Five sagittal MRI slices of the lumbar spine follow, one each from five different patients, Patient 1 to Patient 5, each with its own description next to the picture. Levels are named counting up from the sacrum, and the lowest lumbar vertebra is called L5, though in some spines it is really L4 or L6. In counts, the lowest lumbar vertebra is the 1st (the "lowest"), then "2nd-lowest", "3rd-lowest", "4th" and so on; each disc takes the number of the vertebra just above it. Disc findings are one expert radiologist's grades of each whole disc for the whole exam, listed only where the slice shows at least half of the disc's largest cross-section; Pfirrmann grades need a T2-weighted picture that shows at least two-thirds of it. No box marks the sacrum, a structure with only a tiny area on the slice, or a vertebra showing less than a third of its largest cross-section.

Patient 1 of 5:
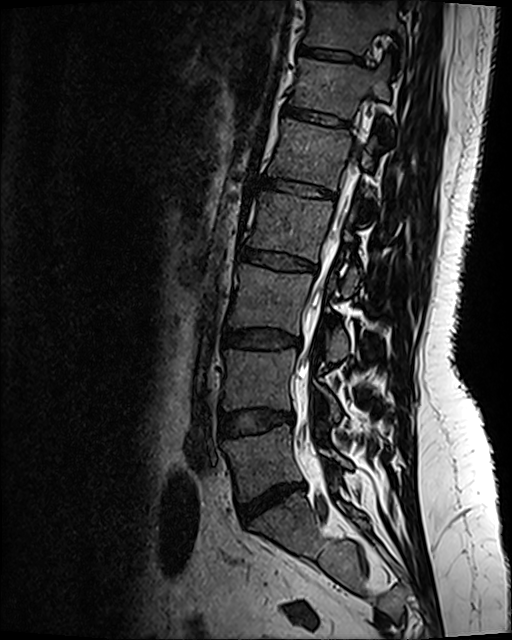
Image 512x640. Sagittal slice index 71. Sagittal T2 SPACE (3D) lumbar spine MRI.
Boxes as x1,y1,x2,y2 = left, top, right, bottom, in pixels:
L5 at 224,425,351,500; L1/L2 at 263,181,334,199; T12 at 291,59,389,118; T11/T12 at 301,49,360,63; T11 at 305,3,404,54; L1 at 269,120,375,190; L2 vertebra at 248,193,358,296; L2/L3 at 239,249,317,273; intervertebral disc L3/L4 at 223,329,297,348; L5/S1 at 240,485,302,524; L4 vertebra at 225,350,340,421; L3 at 229,265,348,361; intervertebral disc T12/L1 at 285,107,349,130; intervertebral disc L4/L5 at 221,411,292,436; spinal canal at 302,208,345,373.

Expert MSK radiologist gradings (per disc):
- L2/L3: Pfirrmann grade 4, upper-endplate change, disc bulging, lower-endplate change
- L5/S1: Pfirrmann grade 1, disc bulging, disc narrowing, disc herniation
- T12/L1: Pfirrmann grade 2, lower-endplate change, upper-endplate change
- L3/L4: Pfirrmann grade 2, disc bulging
- L1/L2: Pfirrmann grade 2, upper-endplate change, lower-endplate change
- L4/L5: Pfirrmann grade 2, disc bulging
- T11/T12: Pfirrmann grade 2

Patient 2 of 5:
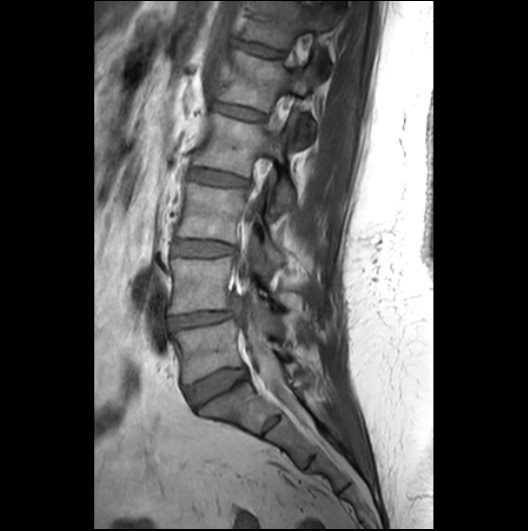
Patient sex: F | T1-weighted sagittal MRI of the lumbar spine | 528x531 px
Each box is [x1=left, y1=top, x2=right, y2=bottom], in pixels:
5th vertebra: [x1=220, y1=47, x2=319, y2=145] | 3rd-lowest vertebra: [x1=178, y1=182, x2=284, y2=265] | 5th disc: [x1=214, y1=102, x2=265, y2=120] | 2nd-lowest disc: [x1=168, y1=311, x2=233, y2=328] | 3rd-lowest disc: [x1=174, y1=239, x2=235, y2=256] | 6th vertebra: [x1=243, y1=1, x2=333, y2=48] | lowest disc: [x1=186, y1=367, x2=246, y2=406] | 2nd-lowest vertebra: [x1=170, y1=256, x2=283, y2=314] | 4th vertebra: [x1=193, y1=113, x2=293, y2=211] | 6th disc: [x1=237, y1=40, x2=283, y2=55] | thecal sac / spinal canal: [x1=234, y1=84, x2=303, y2=416] | 4th disc: [x1=190, y1=168, x2=246, y2=184] | lowest vertebra: [x1=174, y1=319, x2=285, y2=382]

Radiological gradings:
- 2nd-lowest disc: disc narrowing, disc herniation
- 3rd-lowest disc, 4th disc, lowest disc, 6th disc, 5th disc: no Modic or endplate change, herniation, narrowing, bulging or spondylolisthesis recorded

Patient 3 of 5:
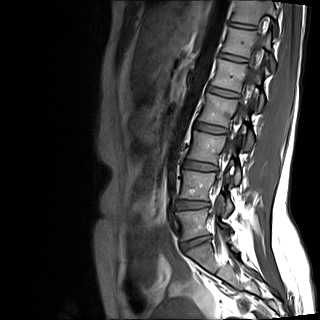 Slice 10/15, Sex F, Sagittal T1-weighted lumbar spine MRI

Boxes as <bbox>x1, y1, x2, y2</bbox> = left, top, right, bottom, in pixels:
Intervertebral disc T12/L1 at <bbox>219, 53, 246, 61</bbox>, L1 vertebra at <bbox>212, 59, 264, 110</bbox>, L2 vertebra at <bbox>199, 93, 253, 149</bbox>, intervertebral disc L1/L2 at <bbox>208, 86, 237, 97</bbox>, T11/T12 at <bbox>230, 22, 255, 29</bbox>, T12 at <bbox>222, 28, 275, 71</bbox>, intervertebral disc L4/L5 at <bbox>176, 200, 208, 209</bbox>, L5/S1 at <bbox>181, 236, 208, 249</bbox>, L3/L4 at <bbox>184, 161, 216, 170</bbox>, L5 vertebra at <bbox>176, 209, 232, 240</bbox>, L3 at <bbox>188, 131, 240, 185</bbox>, T11 at <bbox>232, 0, 276, 35</bbox>, intervertebral disc L2/L3 at <bbox>194, 123, 226, 133</bbox>, L4 vertebra at <bbox>179, 171, 232, 216</bbox>, thecal sac / spinal canal at <bbox>214, 32, 264, 222</bbox>.

Expert MSK radiologist gradings (per disc):
  L4/L5: disc narrowing
  L5/S1: disc narrowing, Modic type II, disc herniation, disc bulging
  L2/L3, T11/T12, L1/L2, L3/L4, T12/L1: no herniation, bulging, narrowing, spondylolisthesis, endplate or Modic change recorded

Patient 4 of 5:
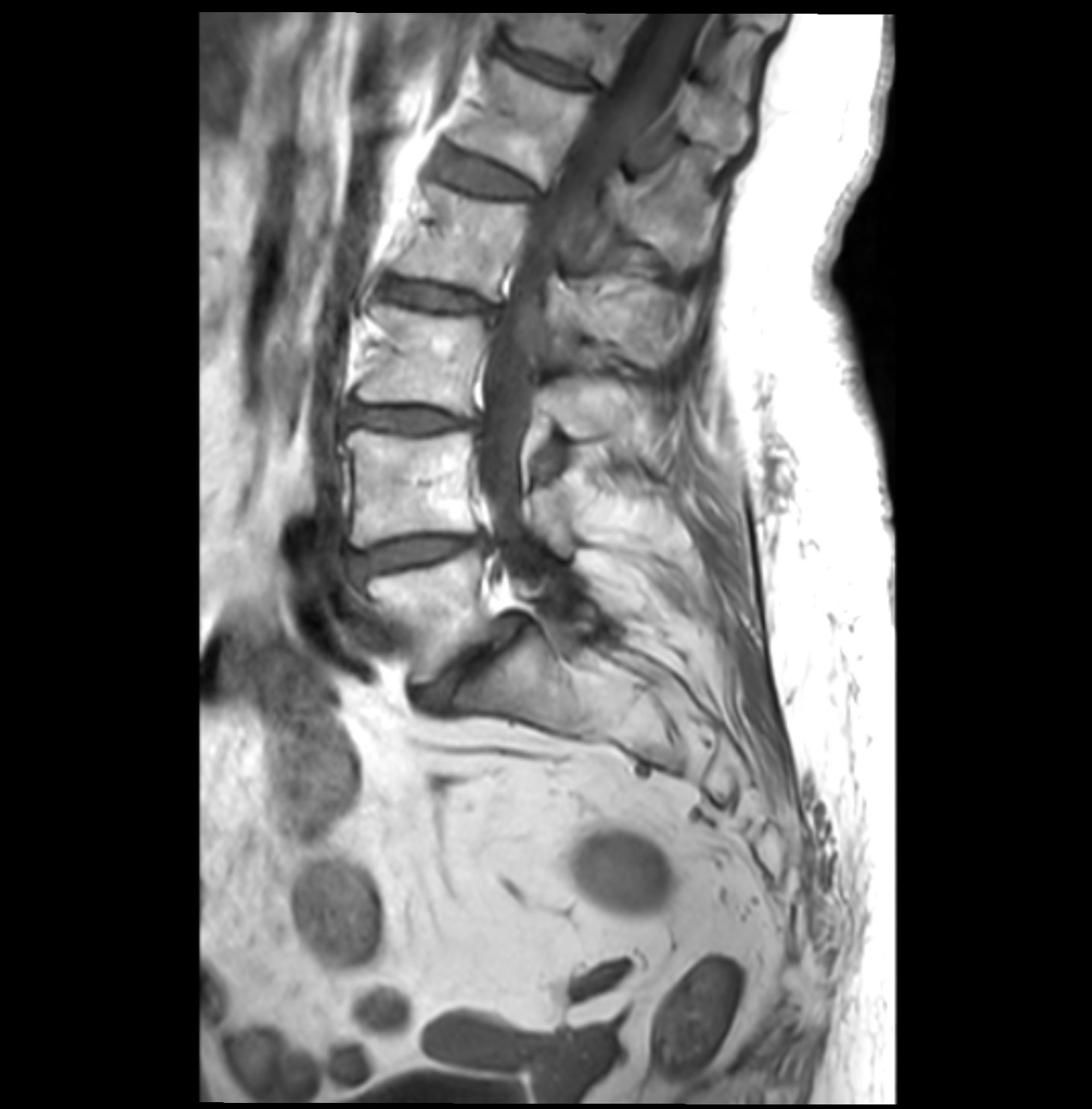 T1-weighted sagittal MRI of the lumbar spine, Image 1092x1109, Slice 21/36, Slice spacing 3.4 mm

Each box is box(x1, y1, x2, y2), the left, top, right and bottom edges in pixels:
Segmented structures:
• 3rd-lowest vertebra: box(356, 305, 632, 452)
• 2nd-lowest disc: box(344, 534, 481, 580)
• 4th vertebra: box(397, 186, 684, 357)
• 5th vertebra: box(449, 59, 719, 262)
• 6th vertebra: box(504, 10, 754, 154)
• lowest vertebra: box(366, 548, 597, 683)
• lowest disc: box(417, 616, 526, 711)
• 3rd-lowest disc: box(344, 405, 479, 433)
• 5th disc: box(435, 147, 536, 200)
• 2nd-lowest vertebra: box(348, 430, 573, 555)
• 6th disc: box(500, 47, 597, 93)
• 4th disc: box(380, 279, 502, 323)
• spinal canal: box(476, 12, 683, 534)

Per-level radiological findings:
- 3rd-lowest disc: disc narrowing, disc bulging, Modic type II
- 5th disc: Modic type II
- 4th disc: disc bulging, Modic type II
- lowest disc: Modic type II, disc narrowing, disc bulging, spondylolisthesis
- 2nd-lowest disc: disc bulging, disc narrowing, Modic type II
- 6th disc: disc bulging

Patient 5 of 5:
T2-weighted sagittal MRI of the lumbar spine. Scanner: SIEMENS Avanto_fit (1.5T).

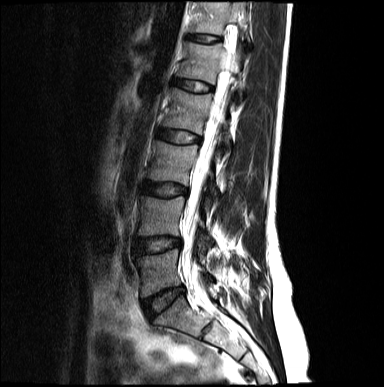 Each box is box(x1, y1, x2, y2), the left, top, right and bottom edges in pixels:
2nd-lowest disc — box(136, 238, 180, 254).
3rd-lowest disc — box(142, 181, 187, 197).
6th disc — box(187, 34, 220, 43).
5th vertebra — box(179, 41, 243, 98).
5th disc — box(175, 80, 212, 92).
4th vertebra — box(163, 88, 230, 145).
Lowest disc — box(143, 287, 183, 319).
6th vertebra — box(190, 1, 247, 34).
4th disc — box(158, 128, 200, 142).
3rd-lowest vertebra — box(147, 141, 217, 208).
Thecal sac / spinal canal — box(183, 45, 236, 284).
Lowest vertebra — box(137, 249, 210, 297).
2nd-lowest vertebra — box(138, 196, 213, 244).

Per-level radiological findings:
- 5th disc: Pfirrmann grade 2
- 6th disc: Pfirrmann grade 2
- lowest disc: Pfirrmann grade 2, disc bulging, disc narrowing
- 2nd-lowest disc: Pfirrmann grade 2, disc bulging
- 3rd-lowest disc: Pfirrmann grade 2, disc bulging
- 4th disc: Pfirrmann grade 2